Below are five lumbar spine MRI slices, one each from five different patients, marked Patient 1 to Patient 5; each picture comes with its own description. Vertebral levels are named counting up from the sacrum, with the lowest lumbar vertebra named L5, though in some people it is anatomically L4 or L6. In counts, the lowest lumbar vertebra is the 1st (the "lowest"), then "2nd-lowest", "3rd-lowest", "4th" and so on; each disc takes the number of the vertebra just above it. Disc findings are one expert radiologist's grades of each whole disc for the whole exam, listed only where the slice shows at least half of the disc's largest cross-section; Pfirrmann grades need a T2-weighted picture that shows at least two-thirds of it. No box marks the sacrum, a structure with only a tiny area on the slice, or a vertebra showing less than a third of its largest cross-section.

Patient 1 of 5:
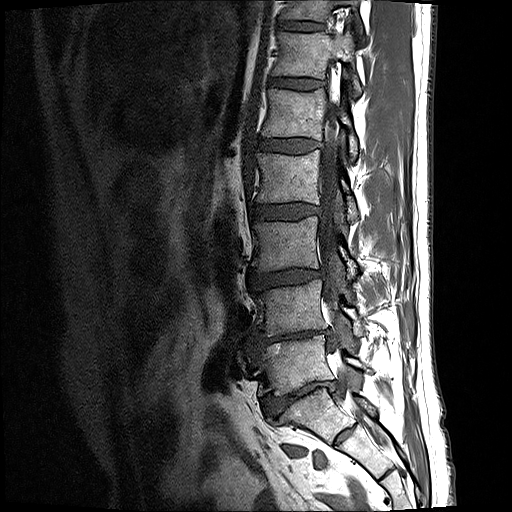 Lumbar spine MR, T1-weighted, sagittal; Patient sex: M; Slice 7/17
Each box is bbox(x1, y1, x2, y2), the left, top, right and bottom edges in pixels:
Annotations:
• L3 (3rd-lowest vertebra) — bbox(252, 216, 356, 278)
• L5 (lowest vertebra) — bbox(256, 335, 367, 395)
• spinal canal — bbox(319, 98, 383, 442)
• L4 (2nd-lowest vertebra) — bbox(254, 279, 364, 337)
• L3/L4 (3rd-lowest disc) — bbox(249, 269, 323, 288)
• L2/L3 (4th disc) — bbox(253, 204, 318, 219)
• IVD T11/T12 (7th disc) — bbox(279, 21, 323, 30)
• L5/S1 (lowest disc) — bbox(262, 382, 335, 416)
• IVD L4/L5 (2nd-lowest disc) — bbox(255, 329, 330, 354)
• T12 (6th vertebra) — bbox(273, 32, 362, 94)
• T12/L1 (6th disc) — bbox(269, 78, 321, 89)
• L2 (4th vertebra) — bbox(256, 149, 358, 222)
• L1 (5th vertebra) — bbox(262, 89, 357, 160)
• T11 (7th vertebra) — bbox(282, 0, 362, 31)
• IVD L1/L2 (5th disc) — bbox(258, 139, 319, 152)

Degenerative findings by level:
- L4/L5 (2nd-lowest disc): disc narrowing, Modic type II, lower-endplate change, disc bulging
- L3/L4 (3rd-lowest disc): disc narrowing, disc bulging
- L5/S1 (lowest disc): disc bulging, lower-endplate change, disc narrowing, spondylolisthesis
- L2/L3 (4th disc), T12/L1 (6th disc), T11/T12 (7th disc), L1/L2 (5th disc): no Modic or endplate change, herniation, narrowing, bulging or spondylolisthesis recorded

Patient 2 of 5:
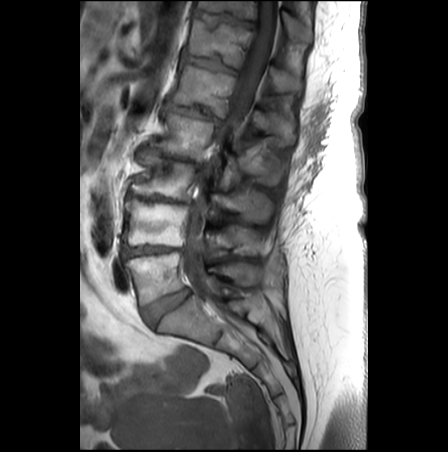

Slice spacing 3.3 mm | Lumbar spine MR, T1-weighted, sagittal
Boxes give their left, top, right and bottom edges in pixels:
3rd-lowest disc: left=127, top=191, right=192, bottom=204.
6th vertebra: left=185, top=17, right=302, bottom=91.
6th disc: left=181, top=52, right=237, bottom=73.
5th disc: left=168, top=103, right=221, bottom=123.
Thecal sac / spinal canal: left=185, top=0, right=278, bottom=319.
4th vertebra: left=150, top=108, right=286, bottom=186.
7th vertebra: left=198, top=1, right=311, bottom=48.
5th vertebra: left=172, top=64, right=296, bottom=145.
2nd-lowest disc: left=122, top=246, right=180, bottom=258.
4th disc: left=144, top=146, right=200, bottom=166.
3rd-lowest vertebra: left=131, top=147, right=272, bottom=220.
7th disc: left=192, top=9, right=256, bottom=27.
2nd-lowest vertebra: left=122, top=199, right=265, bottom=255.
Lowest disc: left=142, top=288, right=189, bottom=325.
Lowest vertebra: left=125, top=252, right=258, bottom=305.

Expert MSK radiologist gradings (per disc):
- 7th disc: upper-endplate change, lower-endplate change
- 5th disc: lower-endplate change, Modic type II, spondylolisthesis, disc narrowing, upper-endplate change, disc bulging
- 2nd-lowest disc: lower-endplate change, disc bulging, disc narrowing, upper-endplate change, Modic type II
- 6th disc: Modic type II, upper-endplate change, lower-endplate change
- 3rd-lowest disc: lower-endplate change, Modic type II, disc bulging, upper-endplate change, disc narrowing
- lowest disc: no herniation, bulging, narrowing, spondylolisthesis, endplate or Modic change recorded

Patient 3 of 5:
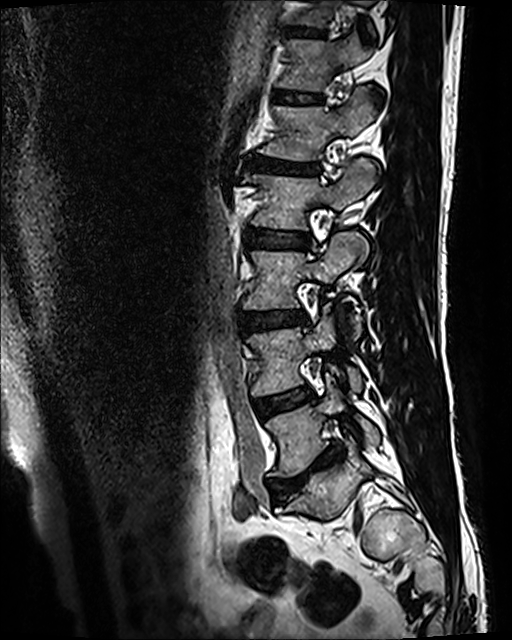 Field of view 240x300 mm, slice spacing 0.9 mm, T2 SPACE (3D) sagittal MRI of the lumbar spine

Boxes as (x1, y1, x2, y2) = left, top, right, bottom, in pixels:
L2 — (244, 158, 373, 229) | L5 — (266, 377, 379, 476) | T11/T12 — (287, 28, 324, 36) | IVD T12/L1 — (273, 89, 321, 104) | L4 — (247, 316, 363, 396) | L4/L5 — (257, 388, 313, 417) | L1 — (259, 92, 375, 160) | L2/L3 — (245, 227, 310, 248) | T12 vertebra — (278, 34, 372, 90) | IVD L3/L4 — (242, 308, 305, 330) | L5/S1 — (269, 443, 344, 499) | L3 vertebra — (243, 231, 363, 335) | IVD L1/L2 — (244, 156, 319, 175)

Degenerative findings by level:
• L3/L4: upper-endplate change, disc bulging, lower-endplate change
• L1/L2: Pfirrmann grade 5, disc bulging, lower-endplate change, disc narrowing, upper-endplate change, Modic type II
• T12/L1: Pfirrmann grade 3
• L5/S1: Pfirrmann grade 5, upper-endplate change, disc bulging, lower-endplate change, Modic type II, disc narrowing
• L2/L3: Pfirrmann grade 3

Patient 4 of 5:
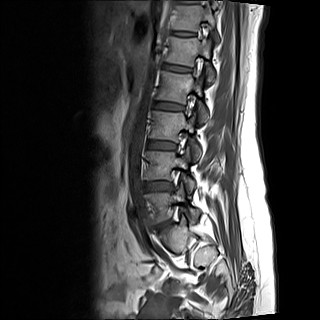 MRI lumbar spine (T1-weighted), sagittal plane, Slice 4/15
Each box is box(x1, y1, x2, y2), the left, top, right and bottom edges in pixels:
6th vertebra at box(174, 5, 215, 31); lowest vertebra at box(146, 182, 199, 222); 2nd-lowest disc at box(145, 182, 170, 191); 4th disc at box(154, 102, 183, 110); 3rd-lowest vertebra at box(150, 111, 201, 162); 4th vertebra at box(157, 71, 209, 125); 5th disc at box(164, 64, 189, 71); 5th vertebra at box(166, 37, 214, 82); 6th disc at box(173, 32, 194, 35); 2nd-lowest vertebra at box(146, 147, 194, 194); 3rd-lowest disc at box(148, 141, 175, 149).

Per-level radiological findings:
  2nd-lowest disc: disc bulging, Modic type II
  5th disc, 3rd-lowest disc, 4th disc, 6th disc: no spondylolisthesis, narrowing, bulging, herniation, Modic or endplate change recorded

Patient 5 of 5:
T2-weighted sagittal MRI of the lumbar spine
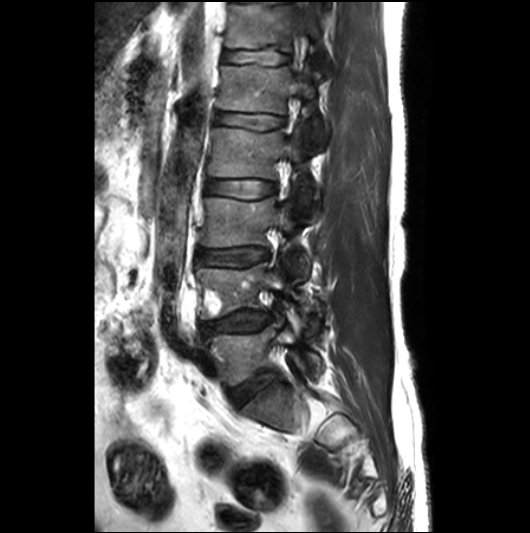
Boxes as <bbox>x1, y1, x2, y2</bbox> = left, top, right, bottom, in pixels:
Intervertebral disc L3/L4: <bbox>196, 248, 268, 266</bbox>.
L4: <bbox>196, 255, 322, 337</bbox>.
L1: <bbox>216, 62, 323, 153</bbox>.
L5/S1: <bbox>228, 368, 278, 409</bbox>.
L2/L3: <bbox>206, 178, 274, 199</bbox>.
L3: <bbox>200, 197, 306, 273</bbox>.
T12 vertebra: <bbox>226, 2, 331, 75</bbox>.
L2 vertebra: <bbox>207, 128, 315, 213</bbox>.
L4/L5: <bbox>200, 311, 273, 335</bbox>.
L1/L2: <bbox>214, 112, 284, 131</bbox>.
L5 vertebra: <bbox>206, 324, 322, 385</bbox>.
Intervertebral disc T12/L1: <bbox>223, 47, 289, 65</bbox>.

Degenerative findings by level:
• L2/L3: Pfirrmann grade 2
• L4/L5: Pfirrmann grade 3, disc bulging, Modic type II, disc narrowing, disc herniation
• L1/L2: Pfirrmann grade 2
• L3/L4: Pfirrmann grade 3, upper-endplate change, disc bulging
• T12/L1: Pfirrmann grade 2, lower-endplate change
• L5/S1: disc bulging